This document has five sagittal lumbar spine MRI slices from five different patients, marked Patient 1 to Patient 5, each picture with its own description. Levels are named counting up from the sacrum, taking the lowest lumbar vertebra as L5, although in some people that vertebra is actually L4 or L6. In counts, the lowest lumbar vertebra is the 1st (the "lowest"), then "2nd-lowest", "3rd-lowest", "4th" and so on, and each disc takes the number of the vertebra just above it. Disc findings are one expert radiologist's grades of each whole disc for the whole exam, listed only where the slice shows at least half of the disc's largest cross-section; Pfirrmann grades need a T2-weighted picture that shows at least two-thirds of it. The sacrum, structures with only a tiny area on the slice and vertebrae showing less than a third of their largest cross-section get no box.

Patient 1 of 5:
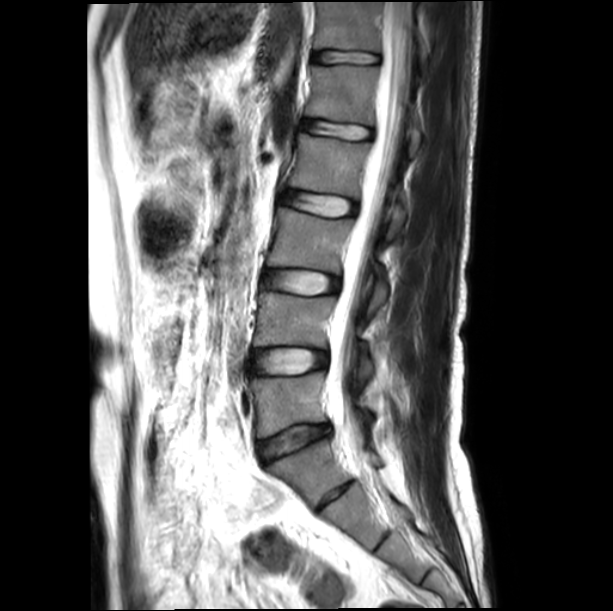

Sex M. Sagittal T2-weighted lumbar spine MRI. 613x611 px. Sagittal slice index 8.
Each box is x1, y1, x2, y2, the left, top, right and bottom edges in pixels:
3rd-lowest disc: 264, 270, 338, 294
6th disc: 313, 51, 378, 63
4th disc: 280, 190, 355, 215
5th disc: 301, 120, 371, 139
lowest disc: 258, 424, 330, 460
6th vertebra: 314, 2, 428, 60
5th vertebra: 305, 65, 420, 157
3rd-lowest vertebra: 268, 207, 387, 315
2nd-lowest vertebra: 253, 292, 372, 377
thecal sac / spinal canal: 326, 2, 410, 452
lowest vertebra: 250, 372, 368, 437
2nd-lowest disc: 250, 349, 326, 374
4th vertebra: 289, 134, 405, 239

Per-level radiological findings:
• 5th disc: Pfirrmann grade 1
• 3rd-lowest disc: Pfirrmann grade 1
• lowest disc: Pfirrmann grade 2, disc bulging, disc narrowing
• 2nd-lowest disc: Pfirrmann grade 1
• 6th disc: Pfirrmann grade 1
• 4th disc: Pfirrmann grade 1

Patient 2 of 5:
Lumbar spine MR, T1-weighted, sagittal, Scanner: Philips Healthcare Ingenia (3T), 510x512 px, Field of view 280x281 mm
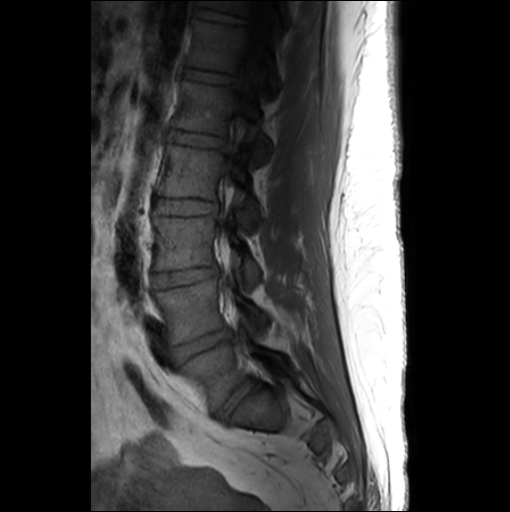

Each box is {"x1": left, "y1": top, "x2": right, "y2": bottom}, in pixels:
T11: {"x1": 197, "y1": 0, "x2": 287, "y2": 29}.
Disc L2/L3: {"x1": 154, "y1": 199, "x2": 216, "y2": 215}.
Disc L3/L4: {"x1": 152, "y1": 266, "x2": 217, "y2": 288}.
Disc L4/L5: {"x1": 171, "y1": 328, "x2": 231, "y2": 364}.
L2 vertebra: {"x1": 157, "y1": 144, "x2": 257, "y2": 230}.
T12/L1: {"x1": 180, "y1": 65, "x2": 234, "y2": 82}.
T12 vertebra: {"x1": 185, "y1": 18, "x2": 278, "y2": 95}.
L5: {"x1": 180, "y1": 340, "x2": 286, "y2": 410}.
L1 vertebra: {"x1": 172, "y1": 80, "x2": 269, "y2": 161}.
Thecal sac / spinal canal: {"x1": 241, "y1": 0, "x2": 273, "y2": 97}.
L1/L2: {"x1": 166, "y1": 129, "x2": 225, "y2": 146}.
L4 vertebra: {"x1": 155, "y1": 279, "x2": 265, "y2": 344}.
Disc T11/T12: {"x1": 193, "y1": 5, "x2": 248, "y2": 24}.
L5/S1: {"x1": 213, "y1": 380, "x2": 256, "y2": 419}.
L3 vertebra: {"x1": 152, "y1": 216, "x2": 259, "y2": 286}.

Per-level radiological findings:
- L3/L4: disc bulging, disc narrowing
- L4/L5: disc narrowing, disc bulging
- L5/S1: disc bulging
- L1/L2, T11/T12, T12/L1, L2/L3: no spondylolisthesis, narrowing, bulging, herniation, Modic or endplate change recorded

Patient 3 of 5:
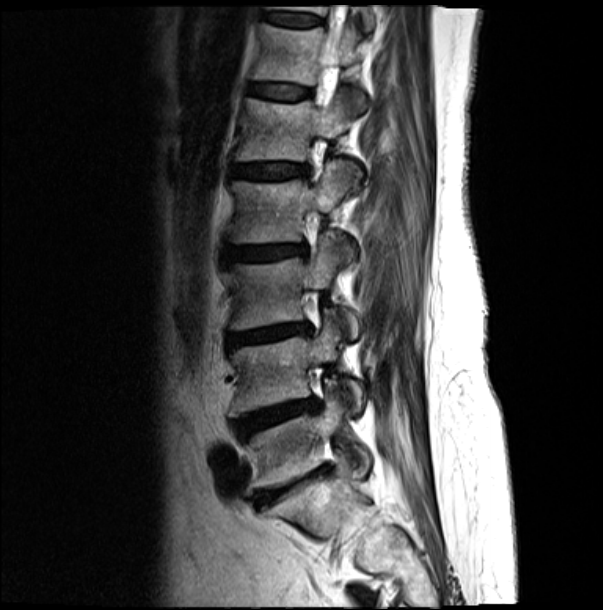

Slice 13/19; MRI lumbar spine (T2-weighted), sagittal plane; Field of view 260x263 mm
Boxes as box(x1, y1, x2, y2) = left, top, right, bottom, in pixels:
6th vertebra at box(253, 23, 366, 110).
Lowest vertebra at box(249, 382, 371, 487).
5th vertebra at box(235, 90, 361, 187).
7th vertebra at box(268, 5, 374, 29).
2nd-lowest vertebra at box(229, 316, 361, 416).
2nd-lowest disc at box(235, 399, 316, 437).
Lowest disc at box(254, 467, 327, 504).
5th disc at box(231, 164, 307, 178).
7th disc at box(264, 12, 322, 27).
4th vertebra at box(232, 160, 354, 244).
3rd-lowest disc at box(228, 324, 310, 345).
6th disc at box(251, 85, 311, 100).
4th disc at box(228, 245, 305, 260).
3rd-lowest vertebra at box(231, 232, 358, 338).

Expert MSK radiologist gradings (per disc):
  7th disc: Pfirrmann grade 3, Modic type II
  4th disc: Pfirrmann grade 4, Modic type II, upper-endplate change, disc bulging, lower-endplate change
  3rd-lowest disc: Pfirrmann grade 4, disc narrowing, Modic type II, lower-endplate change, upper-endplate change, disc bulging
  5th disc: Pfirrmann grade 4, lower-endplate change, upper-endplate change, disc bulging, Modic type II
  2nd-lowest disc: Pfirrmann grade 4, lower-endplate change, Modic type II, upper-endplate change, disc narrowing, disc bulging
  6th disc: Pfirrmann grade 3, lower-endplate change, Modic type II, upper-endplate change

Patient 4 of 5:
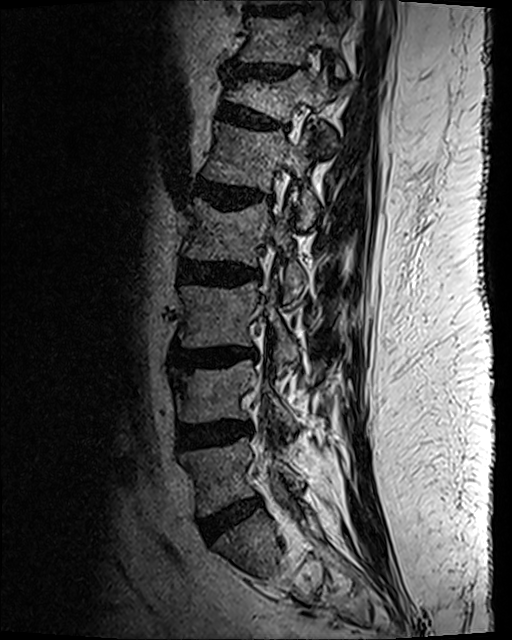 Lumbar spine MR, T2 SPACE (3D), sagittal
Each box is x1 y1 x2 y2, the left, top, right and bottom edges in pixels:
3rd-lowest vertebra: 180 283 299 374.
Lowest disc: 199 497 261 542.
7th disc: 232 65 294 80.
7th vertebra: 241 16 345 77.
3rd-lowest disc: 177 349 256 370.
2nd-lowest vertebra: 179 361 298 431.
8th disc: 247 8 295 15.
6th vertebra: 225 72 349 122.
6th disc: 219 105 282 129.
4th vertebra: 187 199 306 307.
4th disc: 179 261 260 287.
Lowest vertebra: 182 437 302 515.
2nd-lowest disc: 177 424 251 450.
5th vertebra: 205 123 318 229.
5th disc: 195 180 259 210.

Expert MSK radiologist gradings (per disc):
• 7th disc: Pfirrmann grade 2, upper-endplate change, disc bulging, lower-endplate change, disc narrowing
• lowest disc: Pfirrmann grade 2, disc bulging
• 4th disc: Pfirrmann grade 3, disc bulging, lower-endplate change
• 6th disc: Pfirrmann grade 2, disc bulging, lower-endplate change, spondylolisthesis, upper-endplate change
• 3rd-lowest disc: Pfirrmann grade 3, lower-endplate change, Modic type II, disc bulging, upper-endplate change
• 5th disc: Pfirrmann grade 3, lower-endplate change, upper-endplate change, disc narrowing, Modic type II, disc bulging
• 2nd-lowest disc: Pfirrmann grade 3, disc narrowing, disc bulging

Patient 5 of 5:
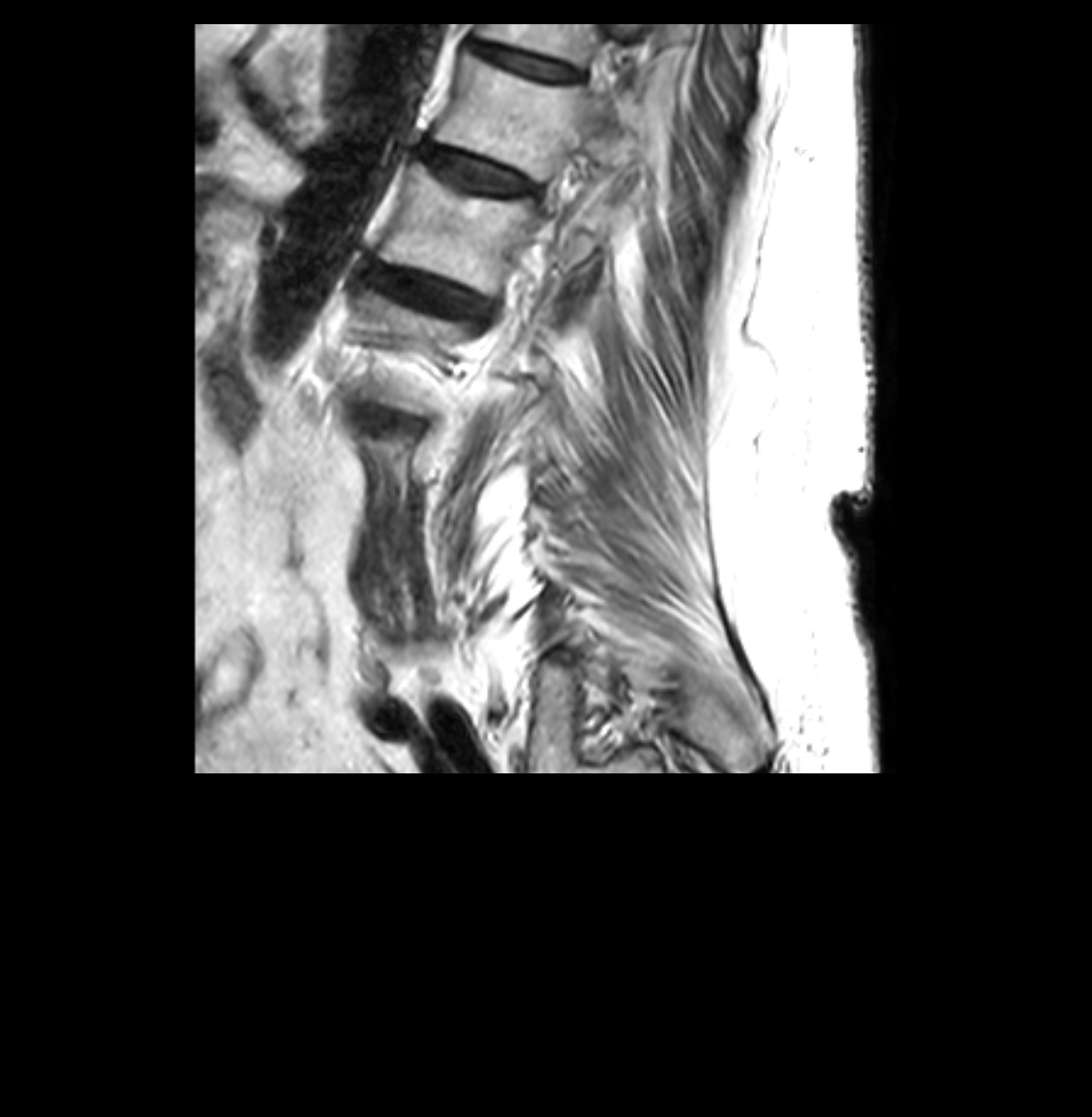
Sagittal T2-weighted lumbar spine MRI. Slice 27/33. 1092x1117 px. Field of view 280x286 mm, slice spacing 3.3 mm.
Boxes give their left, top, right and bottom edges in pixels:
* 6th disc: left=422, top=145, right=526, bottom=194
* 7th disc: left=470, top=40, right=577, bottom=79
* 5th vertebra: left=380, top=164, right=606, bottom=294
* 6th vertebra: left=434, top=54, right=633, bottom=180
* 5th disc: left=368, top=263, right=487, bottom=314
* 7th vertebra: left=478, top=23, right=598, bottom=68

Per-level radiological findings:
• 5th disc: Pfirrmann grade 4, upper-endplate change, disc bulging, disc narrowing, lower-endplate change
• 7th disc: Pfirrmann grade 4, disc narrowing
• 6th disc: Pfirrmann grade 4, disc narrowing, disc bulging